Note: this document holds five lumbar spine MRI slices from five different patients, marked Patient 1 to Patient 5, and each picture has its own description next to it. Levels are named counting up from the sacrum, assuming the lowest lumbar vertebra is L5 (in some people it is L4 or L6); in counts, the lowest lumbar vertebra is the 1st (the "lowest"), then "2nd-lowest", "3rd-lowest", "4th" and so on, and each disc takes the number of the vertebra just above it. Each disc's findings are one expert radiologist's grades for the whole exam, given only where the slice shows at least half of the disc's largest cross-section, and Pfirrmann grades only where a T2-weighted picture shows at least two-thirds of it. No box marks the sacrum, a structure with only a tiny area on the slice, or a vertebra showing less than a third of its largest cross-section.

Patient 1 of 5:
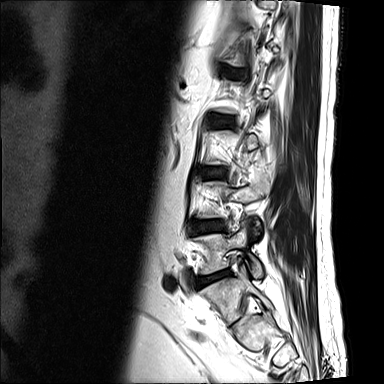 Slice 13 of 15, Sagittal T2-weighted lumbar spine MRI
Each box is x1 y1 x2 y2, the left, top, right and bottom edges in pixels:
Annotations:
- L4 vertebra — 197 179 269 226
- L5 vertebra — 194 221 263 278
- L4/L5 — 194 221 223 233
- L5/S1 — 199 270 231 285
- intervertebral disc L3/L4 — 210 169 223 177

Per-level radiological findings:
- L4/L5: lower-endplate change, upper-endplate change, disc bulging

Patient 2 of 5:
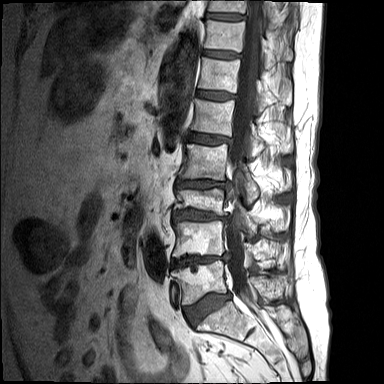
Image 384x384; Sagittal T1-weighted lumbar spine MRI; Patient sex: F
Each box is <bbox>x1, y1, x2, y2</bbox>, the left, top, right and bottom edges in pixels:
Segmented structures:
* 4th vertebra — <bbox>179, 143, 290, 201</bbox>
* 6th vertebra — <bbox>198, 57, 291, 106</bbox>
* 2nd-lowest vertebra — <bbox>172, 220, 269, 260</bbox>
* 8th disc — <bbox>206, 13, 244, 20</bbox>
* lowest vertebra — <bbox>172, 260, 278, 304</bbox>
* lowest disc — <bbox>184, 293, 231, 326</bbox>
* 2nd-lowest disc — <bbox>171, 252, 230, 267</bbox>
* 3rd-lowest vertebra — <bbox>174, 188, 289, 233</bbox>
* 7th vertebra — <bbox>204, 20, 292, 67</bbox>
* 5th vertebra — <bbox>192, 98, 293, 156</bbox>
* 8th vertebra — <bbox>208, 0, 281, 24</bbox>
* 3rd-lowest disc — <bbox>173, 208, 229, 221</bbox>
* 6th disc — <bbox>197, 90, 237, 99</bbox>
* thecal sac / spinal canal — <bbox>226, 0, 264, 307</bbox>
* 4th disc — <bbox>177, 179, 230, 189</bbox>
* 7th disc — <bbox>204, 50, 242, 58</bbox>
* 5th disc — <bbox>188, 132, 232, 144</bbox>

Radiological gradings:
  5th disc: disc bulging, upper-endplate change, lower-endplate change
  lowest disc: disc bulging, lower-endplate change, upper-endplate change
  4th disc: lower-endplate change, upper-endplate change, disc narrowing, disc bulging
  2nd-lowest disc: disc narrowing, upper-endplate change, lower-endplate change, disc bulging
  3rd-lowest disc: lower-endplate change, upper-endplate change, disc bulging, disc narrowing
  8th disc, 7th disc, 6th disc: no herniation, bulging, narrowing, spondylolisthesis, endplate or Modic change recorded

Patient 3 of 5:
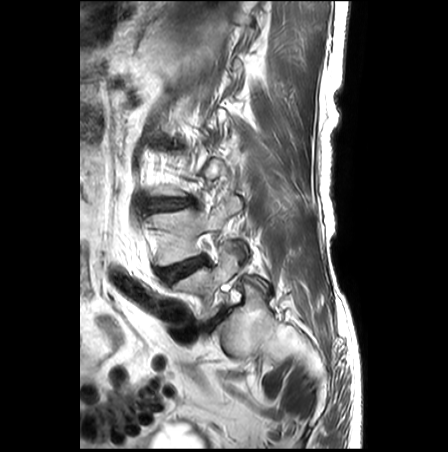
T2-weighted sagittal MRI of the lumbar spine, Slice 22/27
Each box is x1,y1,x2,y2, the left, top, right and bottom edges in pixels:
Structures:
- 3rd-lowest disc: 149,198,193,210
- lowest vertebra: 172,243,270,321
- 2nd-lowest disc: 159,255,206,282
- 2nd-lowest vertebra: 148,197,249,266
- lowest disc: 202,311,225,331

Radiological gradings:
• 3rd-lowest disc: disc bulging, disc narrowing
• 2nd-lowest disc: disc bulging

Patient 4 of 5:
Sex M | T1-weighted sagittal MRI of the lumbar spine | Field of view 280x280 mm | Sagittal slice index 16
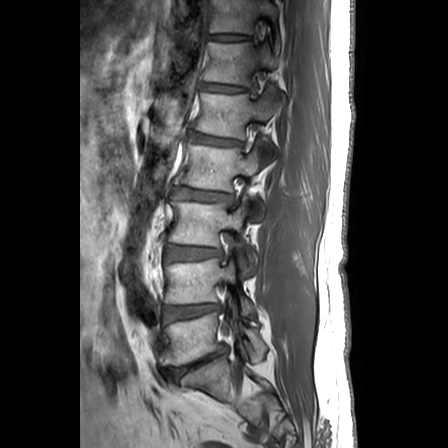

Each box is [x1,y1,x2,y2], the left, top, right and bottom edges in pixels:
7th vertebra — [210,0,279,53].
5th vertebra — [196,90,277,138].
2nd-lowest vertebra — [165,255,254,317].
3rd-lowest disc — [165,246,221,260].
7th disc — [209,34,247,40].
Lowest vertebra — [162,293,267,368].
2nd-lowest disc — [165,304,219,320].
4th vertebra — [176,145,265,222].
6th vertebra — [204,42,286,103].
3rd-lowest vertebra — [169,202,257,277].
5th disc — [192,134,240,145].
Lowest disc — [171,346,227,379].
6th disc — [202,83,244,92].
4th disc — [177,188,232,202].

Expert MSK radiologist gradings (per disc):
• 5th disc: upper-endplate change, lower-endplate change, Modic type II, disc bulging
• lowest disc: disc herniation, upper-endplate change, spondylolisthesis, Modic type II, disc narrowing, disc bulging, lower-endplate change
• 2nd-lowest disc: disc narrowing, disc bulging
• 4th disc: disc bulging
• 3rd-lowest disc: disc bulging
• 7th disc, 6th disc: no spondylolisthesis, narrowing, bulging, herniation, Modic or endplate change recorded

Patient 5 of 5:
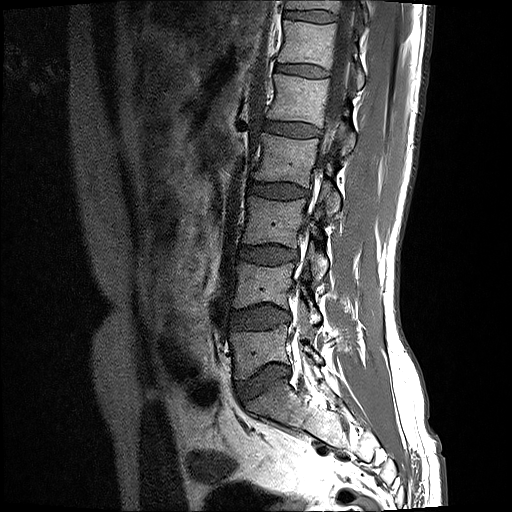 Slice 7/17; T1-weighted sagittal MRI of the lumbar spine; Image 512x512
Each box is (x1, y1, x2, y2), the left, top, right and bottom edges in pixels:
L1 (5th vertebra): (267, 74, 355, 153)
T11 (7th vertebra): (286, 0, 368, 22)
L5 (lowest vertebra): (230, 324, 322, 379)
IVD T11/T12 (7th disc): (284, 10, 336, 22)
L1/L2 (5th disc): (264, 121, 319, 137)
L4 (2nd-lowest vertebra): (234, 262, 320, 327)
L2 (4th vertebra): (254, 133, 340, 214)
T12/L1 (6th disc): (276, 64, 327, 77)
IVD L5/S1 (lowest disc): (235, 365, 289, 401)
IVD L3/L4 (3rd-lowest disc): (238, 246, 296, 263)
IVD L2/L3 (4th disc): (249, 182, 307, 198)
L4/L5 (2nd-lowest disc): (229, 306, 289, 329)
T12 (6th vertebra): (277, 20, 364, 88)
thecal sac / spinal canal: (294, 0, 356, 364)
L3 (3rd-lowest vertebra): (243, 195, 328, 279)

Expert MSK radiologist gradings (per disc):
- L5/S1 (lowest disc): disc bulging
- L4/L5 (2nd-lowest disc): disc bulging
- L3/L4 (3rd-lowest disc): disc bulging
- L2/L3 (4th disc), T12/L1 (6th disc), T11/T12 (7th disc), L1/L2 (5th disc): no spondylolisthesis, narrowing, bulging, herniation, Modic or endplate change recorded